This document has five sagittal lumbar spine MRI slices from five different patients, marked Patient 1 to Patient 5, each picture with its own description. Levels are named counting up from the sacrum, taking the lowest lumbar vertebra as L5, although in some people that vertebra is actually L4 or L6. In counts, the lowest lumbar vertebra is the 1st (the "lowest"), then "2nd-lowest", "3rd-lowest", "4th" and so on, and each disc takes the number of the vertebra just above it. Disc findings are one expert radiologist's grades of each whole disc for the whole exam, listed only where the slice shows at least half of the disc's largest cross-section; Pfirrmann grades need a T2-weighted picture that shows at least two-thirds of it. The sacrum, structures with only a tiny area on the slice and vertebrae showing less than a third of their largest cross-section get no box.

Patient 1 of 5:
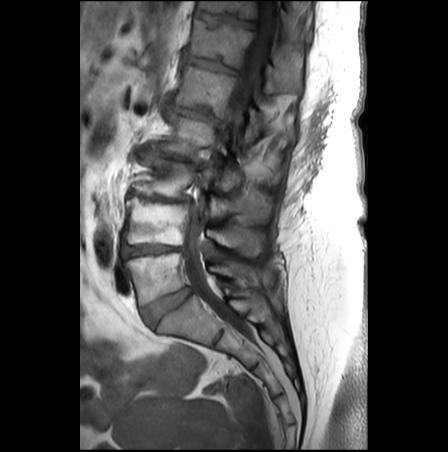
MRI lumbar spine (T1-weighted), sagittal plane | Slice 15/28
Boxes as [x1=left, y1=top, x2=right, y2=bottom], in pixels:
7th disc: [x1=194, y1=10, x2=256, y2=28]
2nd-lowest vertebra: [x1=123, y1=197, x2=262, y2=255]
6th vertebra: [x1=186, y1=19, x2=301, y2=93]
5th vertebra: [x1=175, y1=64, x2=294, y2=142]
lowest disc: [x1=142, y1=288, x2=190, y2=326]
4th vertebra: [x1=157, y1=113, x2=282, y2=190]
2nd-lowest disc: [x1=121, y1=244, x2=181, y2=258]
spinal canal: [x1=185, y1=0, x2=277, y2=335]
3rd-lowest vertebra: [x1=134, y1=151, x2=268, y2=214]
5th disc: [x1=172, y1=105, x2=221, y2=123]
6th disc: [x1=182, y1=52, x2=238, y2=73]
lowest vertebra: [x1=124, y1=253, x2=255, y2=305]
3rd-lowest disc: [x1=128, y1=188, x2=192, y2=203]
7th vertebra: [x1=199, y1=1, x2=290, y2=34]
4th disc: [x1=148, y1=147, x2=203, y2=167]

Degenerative findings by level:
  5th disc: disc bulging, lower-endplate change, disc narrowing, Modic type II, spondylolisthesis, upper-endplate change
  6th disc: upper-endplate change, lower-endplate change, Modic type II
  2nd-lowest disc: disc bulging, Modic type II, disc narrowing, lower-endplate change, upper-endplate change
  7th disc: upper-endplate change, lower-endplate change
  3rd-lowest disc: disc narrowing, lower-endplate change, disc bulging, Modic type II, upper-endplate change
  lowest disc: no spondylolisthesis, narrowing, bulging, herniation, Modic or endplate change recorded

Patient 2 of 5:
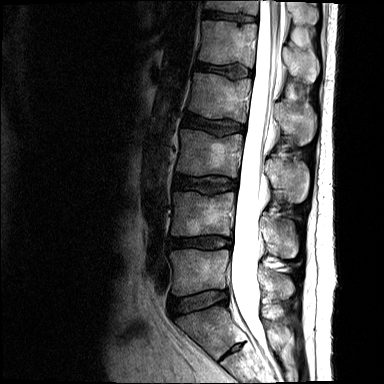 Sagittal T2-weighted lumbar spine MRI
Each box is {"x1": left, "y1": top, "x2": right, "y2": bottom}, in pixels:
Annotations:
- 2nd-lowest vertebra = {"x1": 171, "y1": 192, "x2": 297, "y2": 258}
- 5th vertebra = {"x1": 199, "y1": 19, "x2": 319, "y2": 83}
- 6th disc = {"x1": 205, "y1": 11, "x2": 256, "y2": 22}
- lowest disc = {"x1": 169, "y1": 290, "x2": 227, "y2": 316}
- thecal sac / spinal canal = {"x1": 231, "y1": 0, "x2": 283, "y2": 342}
- 6th vertebra = {"x1": 205, "y1": 0, "x2": 318, "y2": 24}
- 3rd-lowest vertebra = {"x1": 176, "y1": 129, "x2": 309, "y2": 202}
- 4th vertebra = {"x1": 189, "y1": 73, "x2": 316, "y2": 145}
- lowest vertebra = {"x1": 169, "y1": 249, "x2": 294, "y2": 299}
- 2nd-lowest disc = {"x1": 168, "y1": 236, "x2": 231, "y2": 248}
- 5th disc = {"x1": 196, "y1": 63, "x2": 252, "y2": 78}
- 4th disc = {"x1": 183, "y1": 114, "x2": 245, "y2": 135}
- 3rd-lowest disc = {"x1": 174, "y1": 175, "x2": 237, "y2": 193}

Per-level radiological findings:
• 3rd-lowest disc: Pfirrmann grade 3, upper-endplate change
• 2nd-lowest disc: Pfirrmann grade 3, disc herniation, disc narrowing, disc bulging
• 5th disc: Pfirrmann grade 3, upper-endplate change
• lowest disc: Pfirrmann grade 3, disc bulging
• 4th disc: Pfirrmann grade 3, upper-endplate change
• 6th disc: Pfirrmann grade 3, upper-endplate change, lower-endplate change

Patient 3 of 5:
Philips Healthcare Ingenia (3T); Lumbar spine MR, T1-weighted, sagittal 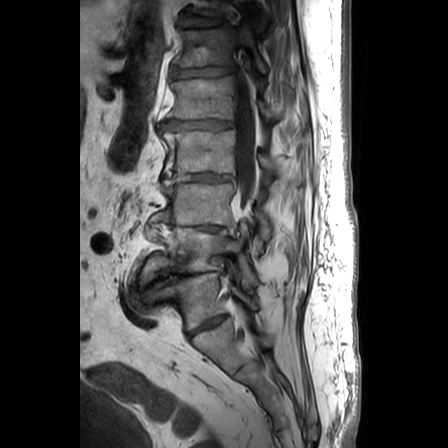

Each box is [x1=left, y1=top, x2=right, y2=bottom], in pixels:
* L5 vertebra: [x1=156, y1=272, x2=257, y2=329]
* intervertebral disc L2/L3: [x1=171, y1=173, x2=232, y2=181]
* L4/L5: [x1=146, y1=269, x2=209, y2=287]
* intervertebral disc L5/S1: [x1=188, y1=315, x2=224, y2=336]
* L1 vertebra: [x1=167, y1=76, x2=277, y2=119]
* intervertebral disc L1/L2: [x1=161, y1=120, x2=232, y2=130]
* T12/L1: [x1=171, y1=67, x2=233, y2=78]
* intervertebral disc L3/L4: [x1=161, y1=222, x2=226, y2=231]
* T12 vertebra: [x1=174, y1=26, x2=268, y2=73]
* L2 vertebra: [x1=161, y1=130, x2=280, y2=173]
* L4 vertebra: [x1=139, y1=225, x2=256, y2=289]
* L3: [x1=159, y1=181, x2=272, y2=254]
* intervertebral disc T11/T12: [x1=179, y1=17, x2=224, y2=27]
* thecal sac / spinal canal: [x1=235, y1=71, x2=256, y2=219]

Per-level radiological findings:
  L2/L3: disc bulging, disc narrowing
  L1/L2: disc bulging, disc narrowing
  T11/T12: disc narrowing, upper-endplate change, disc bulging
  T12/L1: disc bulging, disc herniation, disc narrowing
  L3/L4: disc narrowing, disc bulging, disc herniation, Modic type II

Patient 4 of 5:
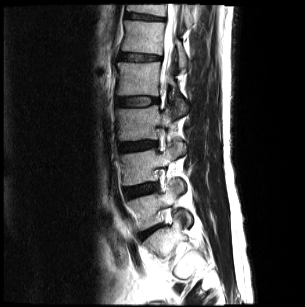

MRI lumbar spine (T2-weighted), sagittal plane
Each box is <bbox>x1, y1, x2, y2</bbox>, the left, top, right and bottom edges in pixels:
L2/L3 — <bbox>117, 98, 157, 106</bbox>.
T12 — <bbox>127, 4, 194, 27</bbox>.
Disc L3/L4 — <bbox>118, 141, 156, 151</bbox>.
Thecal sac / spinal canal — <bbox>163, 5, 180, 74</bbox>.
L2 — <bbox>117, 62, 186, 114</bbox>.
L4/L5 — <bbox>126, 183, 156, 196</bbox>.
L3 — <bbox>117, 104, 171, 140</bbox>.
L5 vertebra — <bbox>128, 181, 191, 229</bbox>.
Disc L1/L2 — <bbox>120, 53, 160, 60</bbox>.
T12/L1 — <bbox>126, 14, 163, 19</bbox>.
Disc L5/S1 — <bbox>141, 226, 157, 236</bbox>.
L4 — <bbox>119, 142, 185, 187</bbox>.
L1 vertebra — <bbox>121, 20, 186, 67</bbox>.

Expert MSK radiologist gradings (per disc):
- L3/L4: disc bulging, upper-endplate change
- L2/L3: Pfirrmann grade 2, Modic type II
- L1/L2: Pfirrmann grade 2, lower-endplate change, upper-endplate change, Modic type II
- L4/L5: disc bulging
- T12/L1: Pfirrmann grade 3, upper-endplate change, lower-endplate change

Patient 5 of 5:
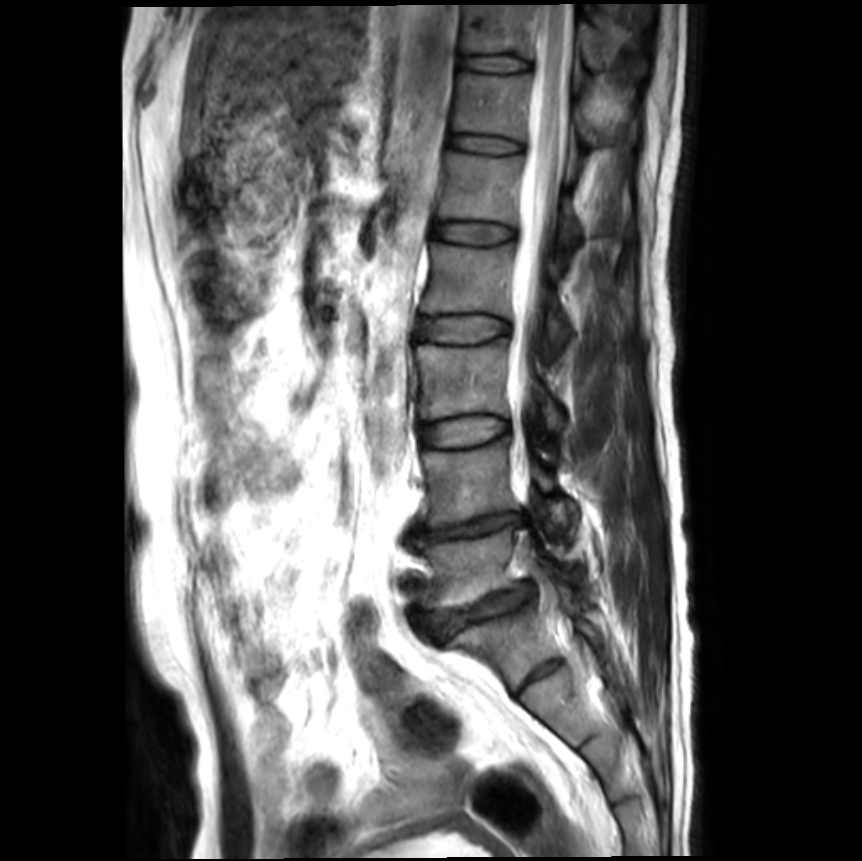 MRI lumbar spine (T2-weighted), sagittal plane

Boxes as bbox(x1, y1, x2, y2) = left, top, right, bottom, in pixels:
7th vertebra: bbox(462, 4, 604, 68).
Lowest disc: bbox(415, 584, 533, 641).
3rd-lowest vertebra: bbox(415, 338, 562, 429).
6th vertebra: bbox(454, 72, 634, 144).
6th disc: bbox(452, 134, 521, 152).
Lowest vertebra: bbox(417, 527, 573, 608).
4th disc: bbox(418, 315, 508, 342).
5th vertebra: bbox(440, 151, 585, 239).
3rd-lowest disc: bbox(420, 415, 508, 446).
5th disc: bbox(433, 221, 515, 242).
7th disc: bbox(460, 55, 530, 71).
Thecal sac / spinal canal: bbox(507, 4, 597, 677).
2nd-lowest vertebra: bbox(420, 438, 580, 526).
4th vertebra: bbox(422, 243, 572, 344).
2nd-lowest disc: bbox(412, 512, 525, 539).

Radiological gradings:
- lowest disc: Pfirrmann grade 4, spondylolisthesis, disc bulging, lower-endplate change, disc narrowing, upper-endplate change
- 5th disc: Pfirrmann grade 1
- 7th disc: Pfirrmann grade 1
- 3rd-lowest disc: Pfirrmann grade 1
- 4th disc: Pfirrmann grade 1
- 6th disc: Pfirrmann grade 1
- 2nd-lowest disc: Pfirrmann grade 5, lower-endplate change, upper-endplate change, disc bulging, disc narrowing, Modic type II